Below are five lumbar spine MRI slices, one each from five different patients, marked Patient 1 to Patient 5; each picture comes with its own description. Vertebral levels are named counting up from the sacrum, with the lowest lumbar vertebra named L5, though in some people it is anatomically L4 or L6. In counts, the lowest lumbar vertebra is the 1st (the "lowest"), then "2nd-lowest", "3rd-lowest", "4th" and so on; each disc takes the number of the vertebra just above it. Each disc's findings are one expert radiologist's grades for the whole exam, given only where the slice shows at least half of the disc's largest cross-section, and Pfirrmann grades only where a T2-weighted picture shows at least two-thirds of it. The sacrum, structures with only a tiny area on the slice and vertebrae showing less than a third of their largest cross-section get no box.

Patient 1 of 5:
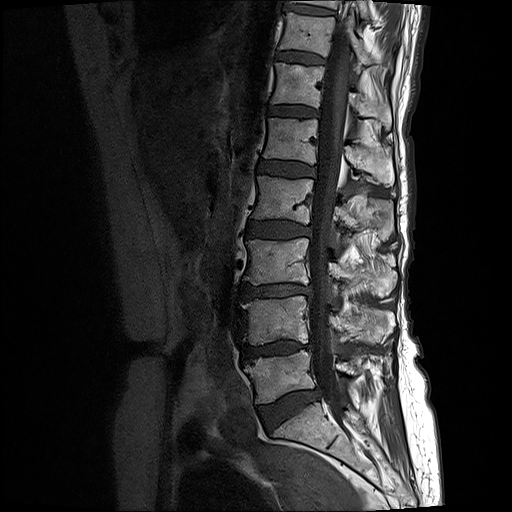 Sagittal T1-weighted lumbar spine MRI
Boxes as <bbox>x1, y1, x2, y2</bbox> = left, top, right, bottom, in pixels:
T12 vertebra at <bbox>271, 62, 392, 130</bbox>.
L2/L3 at <bbox>248, 218, 311, 237</bbox>.
Spinal canal at <bbox>309, 23, 351, 427</bbox>.
L2 at <bbox>254, 175, 393, 239</bbox>.
T10 vertebra at <bbox>295, 0, 370, 20</bbox>.
L1/L2 at <bbox>259, 160, 316, 176</bbox>.
L1 vertebra at <bbox>263, 118, 394, 186</bbox>.
T12/L1 at <bbox>269, 105, 319, 117</bbox>.
Intervertebral disc L4/L5 at <bbox>243, 339, 313, 359</bbox>.
T10/T11 at <bbox>291, 5, 334, 13</bbox>.
Intervertebral disc T11/T12 at <bbox>277, 51, 326, 62</bbox>.
L5 vertebra at <bbox>246, 350, 358, 404</bbox>.
Intervertebral disc L5/S1 at <bbox>260, 390, 320, 425</bbox>.
L3 at <bbox>245, 237, 395, 295</bbox>.
L3/L4 at <bbox>242, 283, 313, 297</bbox>.
L4 at <bbox>243, 295, 394, 345</bbox>.
T11 at <bbox>279, 13, 392, 71</bbox>.

Degenerative findings by level:
• L1/L2: Modic type II, upper-endplate change, lower-endplate change
• L2/L3: lower-endplate change, Modic type II, upper-endplate change, disc bulging
• T11/T12: Modic type II, upper-endplate change, lower-endplate change
• L5/S1: disc bulging
• T12/L1: lower-endplate change, Modic type II, upper-endplate change
• L3/L4: disc narrowing, disc bulging, lower-endplate change, upper-endplate change, Modic type II
• T10/T11: upper-endplate change, lower-endplate change
• L4/L5: disc narrowing, lower-endplate change, Modic type II, upper-endplate change, disc bulging

Patient 2 of 5:
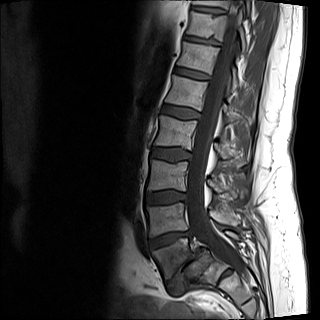 MRI lumbar spine (T1-weighted), sagittal plane, Sex M

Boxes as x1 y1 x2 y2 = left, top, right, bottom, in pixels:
IVD L5/S1: 168 247 204 295.
L4/L5: 149 230 192 249.
IVD L3/L4: 145 190 186 205.
T12/L1: 175 67 209 79.
L1 vertebra: 165 75 232 121.
Thecal sac / spinal canal: 187 0 244 274.
T10 vertebra: 193 0 250 15.
T11: 187 11 247 53.
L3: 146 160 236 198.
L1/L2: 162 104 200 118.
T11/T12: 184 35 219 45.
L5: 152 230 239 278.
L2 vertebra: 154 115 245 166.
L2/L3: 151 147 191 161.
T12 vertebra: 177 42 238 90.
T10/T11: 193 6 226 14.
L4: 145 202 239 237.

Degenerative findings by level:
• T11/T12: lower-endplate change, disc narrowing
• T10/T11: upper-endplate change
• L4/L5: Modic type II, upper-endplate change, disc narrowing, lower-endplate change, disc herniation
• L2/L3: disc bulging
• L5/S1: spondylolisthesis, disc narrowing, disc bulging, Modic type II, upper-endplate change, lower-endplate change
• L1/L2: disc bulging
• L3/L4: disc bulging
• T12/L1: no Modic or endplate change, herniation, narrowing, bulging or spondylolisthesis recorded

Patient 3 of 5:
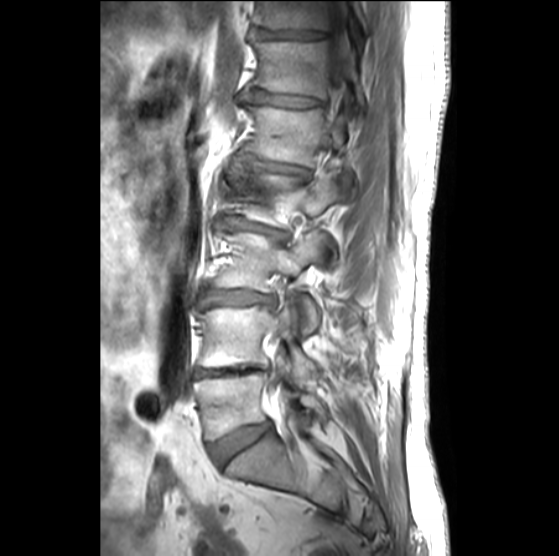
Sagittal slice index 9; T1-weighted sagittal MRI of the lumbar spine
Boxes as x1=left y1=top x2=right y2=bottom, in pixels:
L4 (2nd-lowest vertebra): x1=198 y1=305 x2=318 y2=375
L4/L5 (2nd-lowest disc): x1=194 y1=367 x2=265 y2=376
T11/T12 (7th disc): x1=256 y1=28 x2=324 y2=39
intervertebral disc L1/L2 (5th disc): x1=244 y1=161 x2=309 y2=178
L5 (lowest vertebra): x1=195 y1=372 x2=328 y2=439
intervertebral disc T12/L1 (6th disc): x1=250 y1=90 x2=321 y2=106
L3/L4 (3rd-lowest disc): x1=201 y1=289 x2=276 y2=307
L3 (3rd-lowest vertebra): x1=211 y1=233 x2=327 y2=329
T12 (6th vertebra): x1=254 y1=41 x2=367 y2=111
L2 (4th vertebra): x1=234 y1=169 x2=340 y2=226
T11 (7th vertebra): x1=257 y1=1 x2=368 y2=33
intervertebral disc L5/S1 (lowest disc): x1=210 y1=421 x2=271 y2=464
L1 (5th vertebra): x1=243 y1=106 x2=344 y2=166
spinal canal: x1=272 y1=1 x2=351 y2=412
L2/L3 (4th disc): x1=225 y1=216 x2=285 y2=237

Degenerative findings by level:
  T11/T12 (7th disc): disc narrowing
  L4/L5 (2nd-lowest disc): lower-endplate change, upper-endplate change, disc narrowing, Modic type II
  L3/L4 (3rd-lowest disc): disc bulging
  L2/L3 (4th disc): Modic type II, disc bulging, disc narrowing, lower-endplate change, upper-endplate change
  L5/S1 (lowest disc): disc bulging
  L1/L2 (5th disc): lower-endplate change, disc narrowing, Modic type III, upper-endplate change, disc bulging
  T12/L1 (6th disc): disc narrowing

Patient 4 of 5:
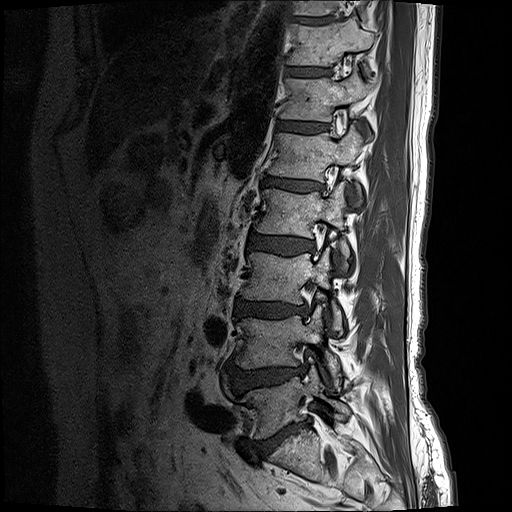
Lumbar spine MR, T1-weighted, sagittal, 512x512 px, Sagittal slice index 5, Sex M
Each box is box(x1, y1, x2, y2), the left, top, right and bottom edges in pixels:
L5/S1 (lowest disc) at box(259, 420, 310, 454); IVD T10/T11 (8th disc) at box(293, 16, 336, 22); T12 (6th vertebra) at box(279, 67, 371, 136); L1 (5th vertebra) at box(268, 123, 362, 205); L5 (lowest vertebra) at box(239, 367, 349, 438); L4 (2nd-lowest vertebra) at box(233, 307, 340, 386); IVD L2/L3 (4th disc) at box(247, 231, 315, 254); IVD T12/L1 (6th disc) at box(277, 121, 328, 132); IVD L3/L4 (3rd-lowest disc) at box(235, 301, 308, 318); T10 (8th vertebra) at box(296, 0, 368, 18); L4/L5 (2nd-lowest disc) at box(229, 365, 304, 390); L3 (3rd-lowest vertebra) at box(239, 247, 343, 335); L1/L2 (5th disc) at box(262, 176, 323, 190); L2 (4th vertebra) at box(254, 182, 349, 269); T11 (7th vertebra) at box(286, 16, 373, 75); IVD T11/T12 (7th disc) at box(285, 67, 331, 76).

Degenerative findings by level:
  L2/L3 (4th disc): disc bulging
  L3/L4 (3rd-lowest disc): Modic type II, disc narrowing, disc bulging, lower-endplate change
  L1/L2 (5th disc): disc narrowing, lower-endplate change, upper-endplate change, disc bulging, Modic type II
  L4/L5 (2nd-lowest disc): disc bulging, disc herniation
  T12/L1 (6th disc), T11/T12 (7th disc): no Modic or endplate change, herniation, narrowing, bulging or spondylolisthesis recorded

Patient 5 of 5:
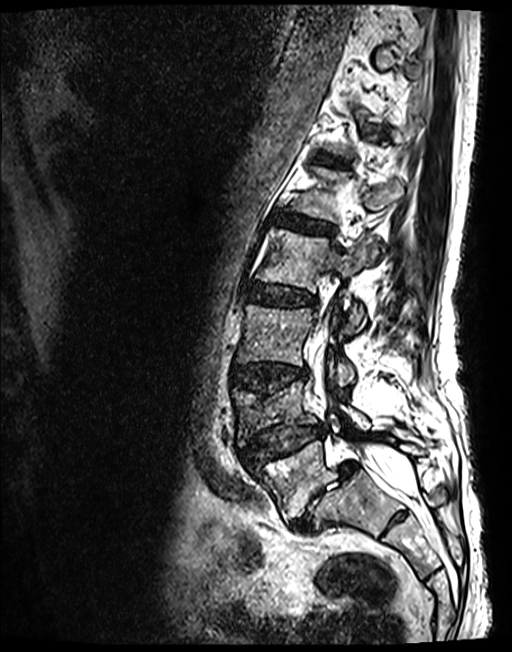

MRI lumbar spine (T2 SPACE (3D)), sagittal plane, Slice 84/143
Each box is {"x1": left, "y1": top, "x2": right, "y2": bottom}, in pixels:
{"L4/L5": {"x1": 242, "y1": 426, "x2": 324, "y2": 466}, "T12/L1": {"x1": 320, "y1": 155, "x2": 347, "y2": 166}, "L2 vertebra": {"x1": 257, "y1": 230, "x2": 377, "y2": 333}, "L3/L4": {"x1": 232, "y1": 364, "x2": 307, "y2": 395}, "L3 vertebra": {"x1": 237, "y1": 305, "x2": 354, "y2": 387}, "L5 vertebra": {"x1": 253, "y1": 440, "x2": 424, "y2": 520}, "spinal canal": {"x1": 310, "y1": 328, "x2": 413, "y2": 495}, "disc L5/S1": {"x1": 291, "y1": 461, "x2": 358, "y2": 533}, "L4": {"x1": 232, "y1": 380, "x2": 369, "y2": 446}, "disc L2/L3": {"x1": 249, "y1": 284, "x2": 316, "y2": 306}, "disc L1/L2": {"x1": 277, "y1": 213, "x2": 332, "y2": 233}}

Radiological gradings:
- L3/L4: Pfirrmann grade 3, lower-endplate change, disc bulging, upper-endplate change
- L5/S1: Pfirrmann grade 5, disc narrowing, disc herniation, Modic type II, spondylolisthesis
- L4/L5: Pfirrmann grade 3, disc narrowing, disc herniation, upper-endplate change, lower-endplate change, spondylolisthesis
- L2/L3: Pfirrmann grade 3, disc bulging
- L1/L2: no spondylolisthesis, narrowing, bulging, herniation, Modic or endplate change recorded